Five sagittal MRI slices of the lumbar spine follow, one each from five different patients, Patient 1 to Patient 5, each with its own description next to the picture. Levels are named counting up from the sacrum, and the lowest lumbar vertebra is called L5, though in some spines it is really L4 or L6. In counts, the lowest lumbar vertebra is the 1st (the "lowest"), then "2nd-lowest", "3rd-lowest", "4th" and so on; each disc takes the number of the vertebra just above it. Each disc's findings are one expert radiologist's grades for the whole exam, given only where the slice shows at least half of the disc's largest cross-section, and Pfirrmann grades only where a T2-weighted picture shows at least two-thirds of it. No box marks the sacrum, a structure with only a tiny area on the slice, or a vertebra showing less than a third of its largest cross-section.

Patient 1 of 5:
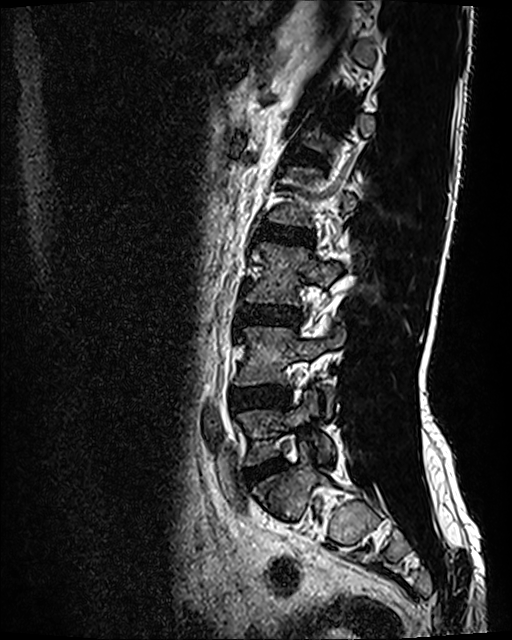
Sagittal T2 SPACE (3D) lumbar spine MRI
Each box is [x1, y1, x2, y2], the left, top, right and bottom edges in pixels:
L1/L2 — [296, 152, 323, 161].
L5 vertebra — [237, 388, 333, 465].
L3 vertebra — [244, 242, 341, 304].
L4 — [234, 326, 346, 414].
L2/L3 — [264, 226, 311, 244].
L4/L5 — [232, 388, 286, 409].
L3/L4 — [241, 305, 298, 325].
L5/S1 — [246, 460, 283, 482].

Degenerative findings by level:
- L3/L4: disc bulging

Patient 2 of 5:
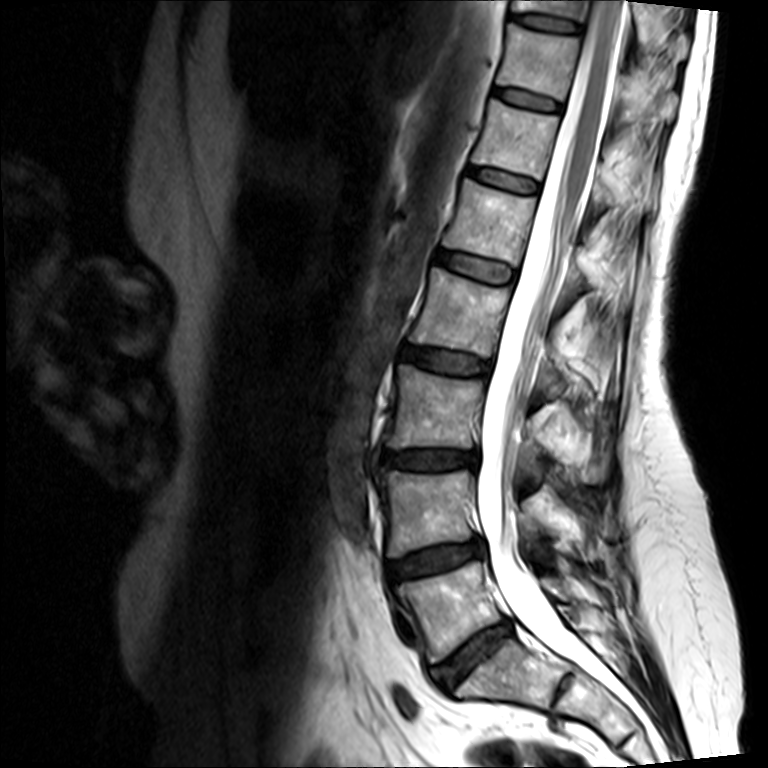

Sagittal T2-weighted lumbar spine MRI | Image 768x768

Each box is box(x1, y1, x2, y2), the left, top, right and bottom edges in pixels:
• intervertebral disc T12/L1 at box(468, 165, 539, 192)
• L4 at box(379, 470, 617, 558)
• intervertebral disc L1/L2 at box(438, 249, 515, 283)
• T10 at box(512, 0, 689, 57)
• intervertebral disc L5/S1 at box(430, 620, 513, 692)
• intervertebral disc L4/L5 at box(387, 538, 485, 583)
• L5 at box(397, 561, 582, 662)
• T11 at box(497, 22, 674, 118)
• L2 at box(410, 266, 592, 392)
• L1 vertebra at box(445, 178, 623, 289)
• intervertebral disc T11/T12 at box(494, 84, 562, 113)
• intervertebral disc L3/L4 at box(382, 450, 478, 469)
• intervertebral disc L2/L3 at box(402, 345, 492, 375)
• spinal canal at box(477, 0, 628, 680)
• L3 at box(385, 363, 610, 482)
• T12 at box(473, 99, 646, 202)
• intervertebral disc T10/T11 at box(509, 10, 584, 34)

Expert MSK radiologist gradings (per disc):
- T12/L1: Pfirrmann grade 2
- L4/L5: Pfirrmann grade 3, disc narrowing, disc herniation, Modic type II, disc bulging
- T10/T11: Pfirrmann grade 2
- L2/L3: Pfirrmann grade 3, disc bulging
- L3/L4: Pfirrmann grade 3, disc narrowing, lower-endplate change, upper-endplate change, disc bulging
- T11/T12: Pfirrmann grade 2
- L1/L2: Pfirrmann grade 2
- L5/S1: Pfirrmann grade 3, disc bulging, disc narrowing

Patient 3 of 5:
MRI lumbar spine (T2-weighted), sagittal plane, Philips Healthcare Ingenia (3T) 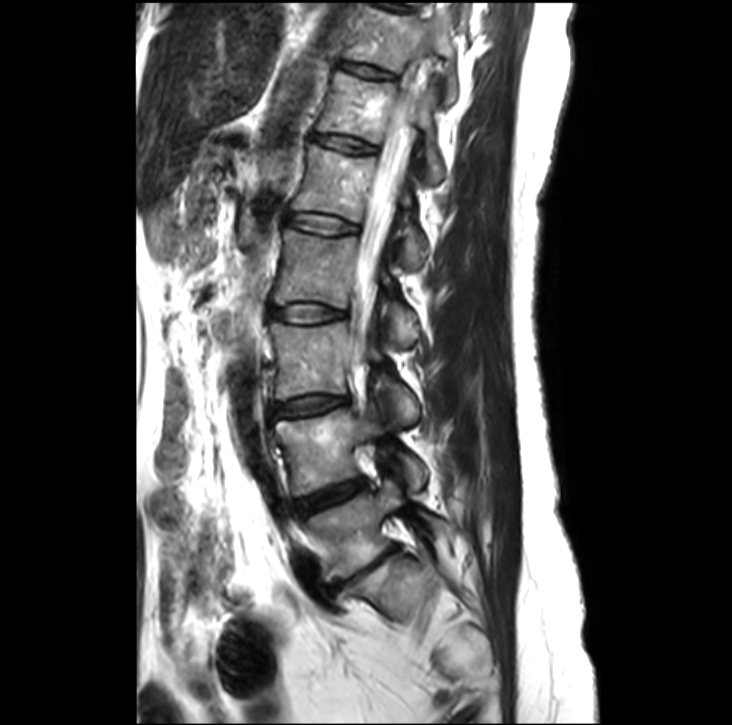
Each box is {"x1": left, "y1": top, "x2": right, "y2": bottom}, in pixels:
3rd-lowest disc at {"x1": 274, "y1": 396, "x2": 347, "y2": 416}, 7th disc at {"x1": 343, "y1": 61, "x2": 394, "y2": 78}, 2nd-lowest vertebra at {"x1": 276, "y1": 403, "x2": 425, "y2": 496}, 4th disc at {"x1": 272, "y1": 304, "x2": 342, "y2": 322}, 6th vertebra at {"x1": 317, "y1": 72, "x2": 442, "y2": 182}, 5th vertebra at {"x1": 293, "y1": 145, "x2": 427, "y2": 267}, thecal sac / spinal canal at {"x1": 354, "y1": 110, "x2": 411, "y2": 359}, 4th vertebra at {"x1": 274, "y1": 228, "x2": 418, "y2": 345}, 7th vertebra at {"x1": 344, "y1": 3, "x2": 458, "y2": 103}, 5th disc at {"x1": 290, "y1": 213, "x2": 354, "y2": 234}, lowest vertebra at {"x1": 307, "y1": 478, "x2": 452, "y2": 579}, lowest disc at {"x1": 333, "y1": 545, "x2": 399, "y2": 591}, 2nd-lowest disc at {"x1": 295, "y1": 480, "x2": 363, "y2": 515}, 3rd-lowest vertebra at {"x1": 272, "y1": 322, "x2": 418, "y2": 423}, 6th disc at {"x1": 313, "y1": 134, "x2": 373, "y2": 153}.

Per-level radiological findings:
- 3rd-lowest disc: Pfirrmann grade 2, disc bulging
- 6th disc: Pfirrmann grade 3
- 2nd-lowest disc: disc bulging
- lowest disc: disc narrowing, upper-endplate change, lower-endplate change, disc bulging, Modic type II
- 7th disc: Pfirrmann grade 2
- 5th disc: Pfirrmann grade 2
- 4th disc: Pfirrmann grade 2

Patient 4 of 5:
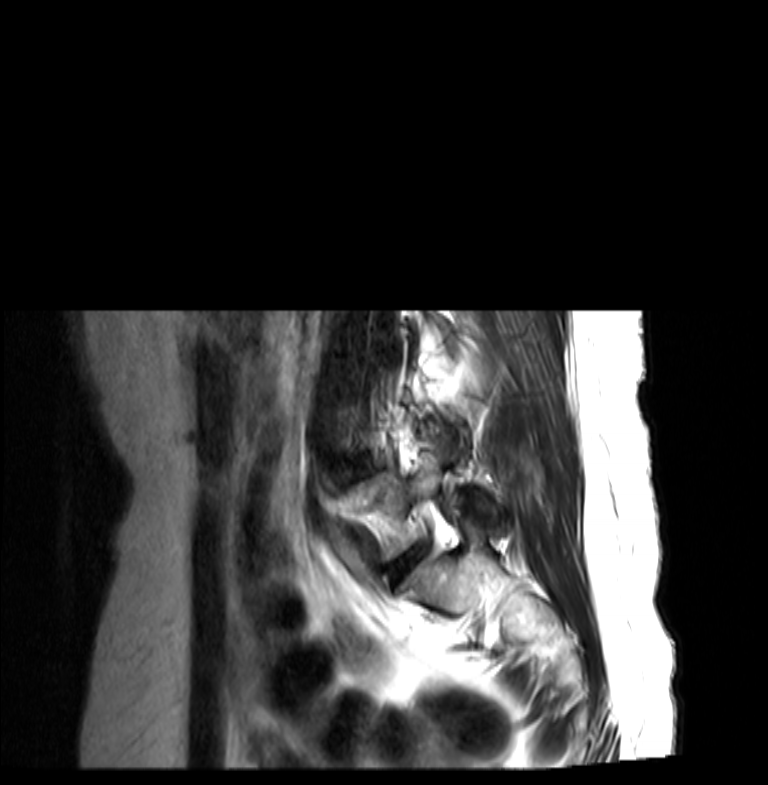

Sex F | Sagittal T2-weighted lumbar spine MRI

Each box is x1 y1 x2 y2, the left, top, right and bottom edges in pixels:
{"IVD L5/S1": "387 543 429 582", "IVD L4/L5": "351 460 386 479", "L5": "351 434 496 562"}

Patient 5 of 5:
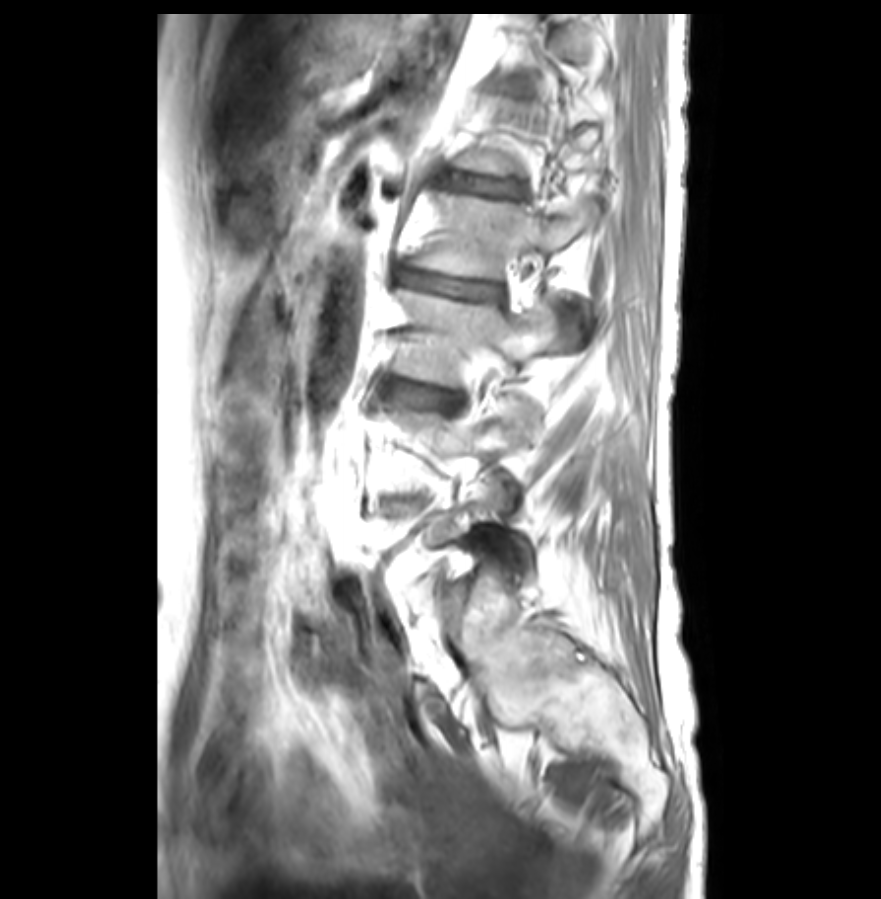 Slice spacing 3.3 mm. Sex F. T1-weighted sagittal MRI of the lumbar spine. 881x899 px.

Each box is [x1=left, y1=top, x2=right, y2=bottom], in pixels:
{"intervertebral disc L2/L3": "[x1=399, y1=270, x2=503, y2=299]", "intervertebral disc L3/L4": "[x1=389, y1=381, x2=459, y2=408]", "L3 vertebra": "[x1=397, y1=289, x2=564, y2=384]", "L1/L2": "[x1=456, y1=175, x2=520, y2=195]", "L2 vertebra": "[x1=415, y1=194, x2=603, y2=277]"}

Per-level radiological findings:
• L1/L2: Modic type II, lower-endplate change, upper-endplate change
• L2/L3: disc herniation, disc narrowing, Modic type II, lower-endplate change, disc bulging, upper-endplate change
• L3/L4: Modic type II, disc bulging